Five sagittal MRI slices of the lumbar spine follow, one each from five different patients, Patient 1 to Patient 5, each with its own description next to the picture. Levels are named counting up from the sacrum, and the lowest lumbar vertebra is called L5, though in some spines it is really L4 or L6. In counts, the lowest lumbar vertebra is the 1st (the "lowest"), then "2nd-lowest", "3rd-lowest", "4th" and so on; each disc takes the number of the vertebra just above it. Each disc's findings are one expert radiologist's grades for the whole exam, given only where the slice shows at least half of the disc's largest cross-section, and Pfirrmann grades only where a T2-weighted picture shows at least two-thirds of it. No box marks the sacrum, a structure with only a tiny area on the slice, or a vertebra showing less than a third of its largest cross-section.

Patient 1 of 5:
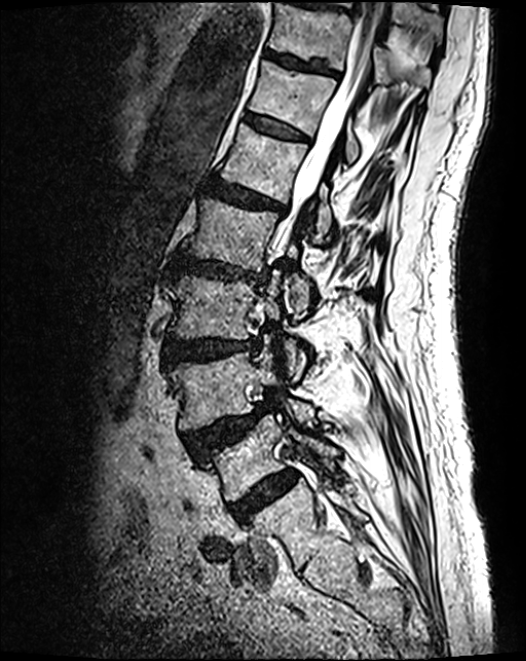 T2 SPACE (3D) sagittal MRI of the lumbar spine, Image 526x661, Slice 74/124
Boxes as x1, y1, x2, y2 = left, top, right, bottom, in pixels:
{"L1 vertebra": "218, 125, 334, 239", "L3/L4": "165, 340, 257, 364", "intervertebral disc L4/L5": "185, 405, 268, 455", "spinal canal": "280, 0, 380, 248", "T12": "248, 62, 360, 165", "L5": "202, 417, 339, 501", "T11": "268, 3, 430, 92", "L2": "182, 197, 311, 311", "L4": "171, 340, 318, 429", "intervertebral disc T11/T12": "265, 51, 337, 75", "intervertebral disc L2/L3": "172, 253, 268, 285", "L3 vertebra": "170, 272, 304, 379", "intervertebral disc L5/S1": "229, 472, 297, 523", "T12/L1": "245, 114, 307, 141", "L1/L2": "205, 179, 285, 215"}

Per-level radiological findings:
  L3/L4: Pfirrmann grade 4, disc bulging
  L1/L2: Pfirrmann grade 4, lower-endplate change, disc bulging, upper-endplate change
  T11/T12: Pfirrmann grade 3, lower-endplate change
  T12/L1: Pfirrmann grade 3
  L5/S1: Pfirrmann grade 4
  L2/L3: Pfirrmann grade 4, disc narrowing, disc bulging, lower-endplate change, upper-endplate change
  L4/L5: Pfirrmann grade 4, upper-endplate change, spondylolisthesis, disc herniation

Patient 2 of 5:
Lumbar spine MR, T2 SPACE (3D), sagittal; Sagittal slice index 71

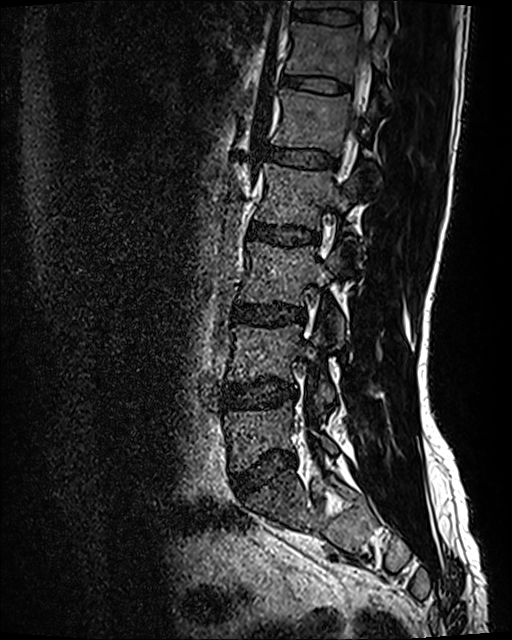
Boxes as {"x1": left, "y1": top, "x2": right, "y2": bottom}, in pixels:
Disc T12/L1 at {"x1": 283, "y1": 74, "x2": 349, "y2": 92}, L5/S1 at {"x1": 232, "y1": 452, "x2": 295, "y2": 495}, thecal sac / spinal canal at {"x1": 361, "y1": 38, "x2": 367, "y2": 67}, T11/T12 at {"x1": 291, "y1": 8, "x2": 357, "y2": 25}, disc L4/L5 at {"x1": 224, "y1": 378, "x2": 296, "y2": 407}, disc L2/L3 at {"x1": 249, "y1": 222, "x2": 318, "y2": 245}, L3 at {"x1": 239, "y1": 241, "x2": 348, "y2": 344}, T11 vertebra at {"x1": 294, "y1": 0, "x2": 389, "y2": 12}, T12 at {"x1": 286, "y1": 22, "x2": 387, "y2": 94}, disc L3/L4 at {"x1": 232, "y1": 304, "x2": 304, "y2": 325}, L1/L2 at {"x1": 266, "y1": 146, "x2": 334, "y2": 167}, L4 at {"x1": 228, "y1": 325, "x2": 334, "y2": 412}, L2 vertebra at {"x1": 255, "y1": 162, "x2": 359, "y2": 229}, L1 at {"x1": 271, "y1": 88, "x2": 376, "y2": 156}, L5 vertebra at {"x1": 225, "y1": 401, "x2": 336, "y2": 471}.

Per-level radiological findings:
  L2/L3: Pfirrmann grade 2
  T12/L1: Pfirrmann grade 2
  L3/L4: Pfirrmann grade 2, disc bulging
  L4/L5: Pfirrmann grade 2, disc bulging
  L1/L2: Pfirrmann grade 2
  L5/S1: Pfirrmann grade 2, disc bulging
  T11/T12: Pfirrmann grade 2

Patient 3 of 5:
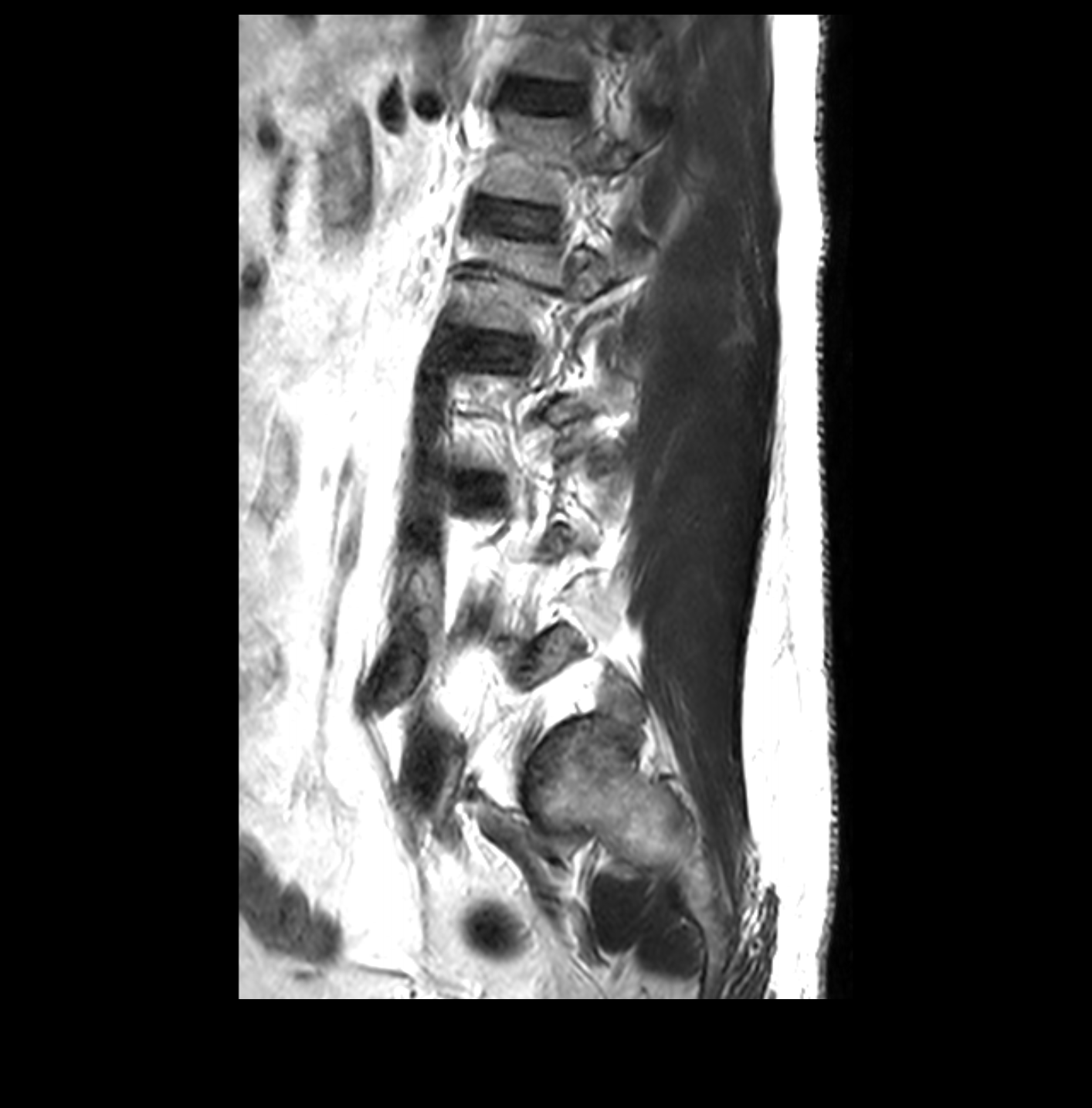 Image 1092x1108 | T2-weighted sagittal MRI of the lumbar spine | Sex M
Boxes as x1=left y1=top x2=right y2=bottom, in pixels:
L2 — x1=459 y1=236 x2=640 y2=334 | disc T12/L1 — x1=517 y1=86 x2=582 y2=110 | T12 — x1=517 y1=15 x2=651 y2=83 | disc L2/L3 — x1=491 y1=343 x2=514 y2=356 | L1 — x1=484 y1=109 x2=656 y2=205 | L1/L2 — x1=508 y1=209 x2=538 y2=226

Patient 4 of 5:
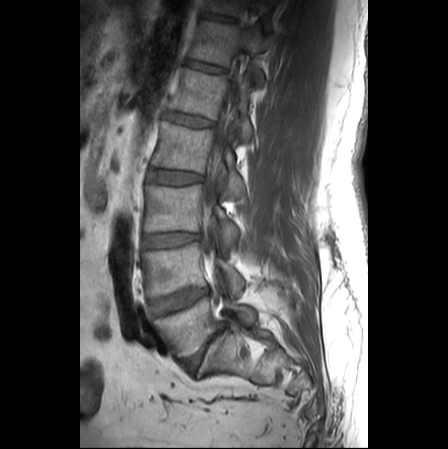 MRI lumbar spine (T1-weighted), sagittal plane, Sagittal slice index 15, Patient sex: M, Field of view 280x281 mm, slice spacing 3.3 mm
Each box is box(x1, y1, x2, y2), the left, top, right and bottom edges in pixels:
{"6th disc": "box(184, 60, 224, 73)", "4th vertebra": "box(152, 122, 244, 199)", "2nd-lowest vertebra": "box(142, 243, 244, 297)", "7th vertebra": "box(207, 0, 245, 15)", "thecal sac / spinal canal": "box(201, 93, 233, 262)", "5th vertebra": "box(169, 68, 253, 140)", "7th disc": "box(200, 13, 235, 21)", "6th vertebra": "box(188, 20, 266, 83)", "lowest disc": "box(181, 327, 224, 373)", "2nd-lowest disc": "box(149, 289, 207, 314)", "4th disc": "box(149, 170, 201, 185)", "3rd-lowest disc": "box(143, 232, 197, 246)", "3rd-lowest vertebra": "box(144, 185, 238, 249)", "5th disc": "box(164, 111, 213, 126)", "lowest vertebra": "box(155, 297, 256, 358)"}

Radiological gradings:
  2nd-lowest disc: disc bulging, Modic type II
  lowest disc: disc narrowing, Modic type II, disc bulging
  6th disc, 4th disc, 5th disc, 7th disc, 3rd-lowest disc: no Modic or endplate change, herniation, narrowing, bulging or spondylolisthesis recorded

Patient 5 of 5:
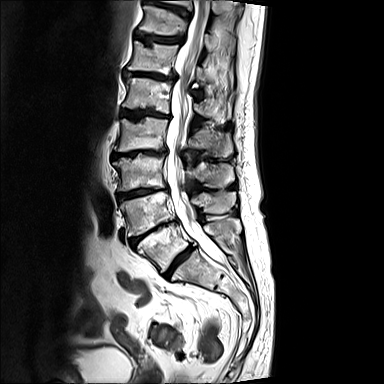 Sex F, MRI lumbar spine (T2-weighted), sagittal plane, Slice 9/15
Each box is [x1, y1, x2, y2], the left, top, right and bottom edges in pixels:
Structures:
- 2nd-lowest disc: [130, 220, 177, 243]
- 2nd-lowest vertebra: [120, 190, 235, 236]
- 4th disc: [111, 148, 166, 159]
- 4th vertebra: [114, 117, 233, 156]
- thecal sac / spinal canal: [166, 0, 224, 262]
- 3rd-lowest vertebra: [113, 153, 234, 190]
- 5th disc: [121, 109, 170, 120]
- 6th vertebra: [128, 41, 210, 85]
- lowest disc: [163, 245, 193, 278]
- 8th vertebra: [161, 0, 226, 17]
- 8th disc: [144, 0, 189, 17]
- lowest vertebra: [137, 216, 240, 272]
- 7th disc: [135, 32, 183, 44]
- 6th disc: [124, 71, 176, 80]
- 3rd-lowest disc: [118, 188, 167, 200]
- 7th vertebra: [139, 5, 214, 51]
- 5th vertebra: [122, 77, 229, 119]

Expert MSK radiologist gradings (per disc):
• 4th disc: Pfirrmann grade 5, lower-endplate change, Modic type II, disc narrowing, upper-endplate change, disc bulging
• lowest disc: Pfirrmann grade 5, Modic type II, disc narrowing, disc bulging, lower-endplate change, upper-endplate change
• 2nd-lowest disc: Pfirrmann grade 5, Modic type II, disc narrowing, upper-endplate change, lower-endplate change, disc bulging
• 5th disc: Pfirrmann grade 5, lower-endplate change, upper-endplate change, disc narrowing, Modic type II, disc bulging
• 3rd-lowest disc: Pfirrmann grade 5, disc narrowing, disc bulging, lower-endplate change, Modic type II, upper-endplate change
• 6th disc: Pfirrmann grade 5, disc bulging, upper-endplate change, disc narrowing, lower-endplate change, Modic type II
• 7th disc: Pfirrmann grade 4, disc bulging, Modic type II, upper-endplate change, lower-endplate change
• 8th disc: Pfirrmann grade 4, disc bulging